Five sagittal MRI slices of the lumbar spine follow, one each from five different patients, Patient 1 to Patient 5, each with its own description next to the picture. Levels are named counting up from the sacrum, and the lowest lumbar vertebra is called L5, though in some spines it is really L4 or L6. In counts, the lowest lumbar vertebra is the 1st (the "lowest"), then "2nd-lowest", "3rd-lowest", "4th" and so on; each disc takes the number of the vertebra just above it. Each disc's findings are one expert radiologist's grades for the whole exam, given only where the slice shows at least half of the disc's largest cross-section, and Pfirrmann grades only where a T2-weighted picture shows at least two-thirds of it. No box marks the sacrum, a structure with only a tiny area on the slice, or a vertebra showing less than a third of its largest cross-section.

Patient 1 of 5:
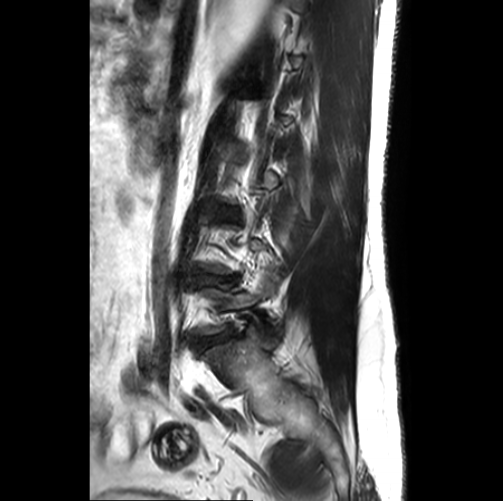 MRI lumbar spine (T2-weighted), sagittal plane. Patient sex: M.

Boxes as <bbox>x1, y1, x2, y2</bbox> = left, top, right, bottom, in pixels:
Structures:
- lowest disc: <bbox>196, 329, 231, 350</bbox>
- 2nd-lowest disc: <bbox>201, 275, 231, 284</bbox>
- lowest vertebra: <bbox>199, 275, 278, 334</bbox>

Patient 2 of 5:
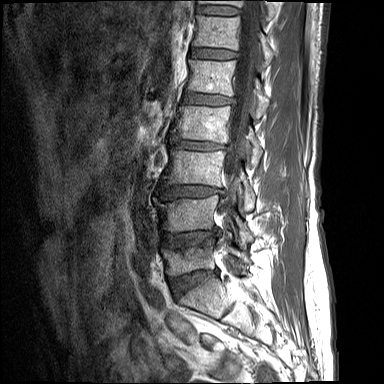 Slice 7 of 17; Lumbar spine MR, T1-weighted, sagittal
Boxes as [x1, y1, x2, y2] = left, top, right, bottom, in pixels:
L1/L2 (5th disc): [183, 91, 233, 105].
IVD T11/T12 (7th disc): [197, 5, 239, 15].
L4 (2nd-lowest vertebra): [160, 195, 253, 248].
T11 (7th vertebra): [199, 0, 274, 19].
T12/L1 (6th disc): [190, 47, 236, 59].
Spinal canal: [221, 0, 258, 215].
L2/L3 (4th disc): [172, 140, 228, 150].
L2 (4th vertebra): [171, 106, 262, 161].
L5/S1 (lowest disc): [171, 269, 218, 295].
IVD L3/L4 (3rd-lowest disc): [162, 185, 224, 198].
L4/L5 (2nd-lowest disc): [162, 231, 218, 247].
T12 (6th vertebra): [193, 15, 273, 66].
L5 (lowest vertebra): [161, 237, 250, 275].
L1 (5th vertebra): [188, 60, 269, 117].
L3 (3rd-lowest vertebra): [163, 150, 255, 211].

Per-level radiological findings:
- T12/L1 (6th disc): upper-endplate change, lower-endplate change
- L5/S1 (lowest disc): lower-endplate change, disc bulging, upper-endplate change, disc narrowing
- L2/L3 (4th disc): upper-endplate change, lower-endplate change, disc narrowing, disc bulging
- L1/L2 (5th disc): lower-endplate change, disc bulging, upper-endplate change
- L3/L4 (3rd-lowest disc): lower-endplate change, disc bulging, upper-endplate change
- L4/L5 (2nd-lowest disc): lower-endplate change, upper-endplate change, disc bulging
- T11/T12 (7th disc): no spondylolisthesis, narrowing, bulging, herniation, Modic or endplate change recorded

Patient 3 of 5:
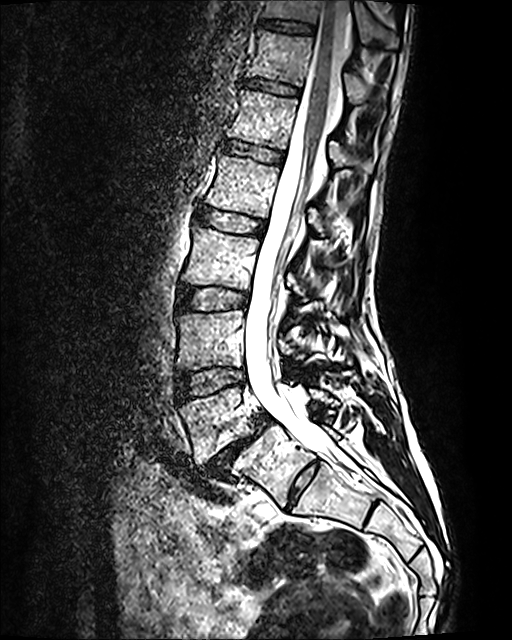
MRI lumbar spine (T2 SPACE (3D)), sagittal plane. Patient sex: F. Slice spacing 0.9 mm. Image 512x640.

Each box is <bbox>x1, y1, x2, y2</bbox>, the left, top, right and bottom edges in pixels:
Structures:
* disc L5/S1 = <bbox>201, 415, 270, 478</bbox>
* T11 = <bbox>262, 0, 396, 47</bbox>
* disc T11/T12 = <bbox>261, 19, 313, 32</bbox>
* T12 = <bbox>248, 31, 385, 104</bbox>
* L4/L5 = <bbox>176, 367, 244, 402</bbox>
* L1 = <bbox>228, 90, 373, 173</bbox>
* spinal canal = <bbox>244, 0, 349, 463</bbox>
* disc L1/L2 = <bbox>222, 141, 283, 163</bbox>
* disc L2/L3 = <bbox>197, 208, 264, 234</bbox>
* disc L3/L4 = <bbox>178, 287, 247, 310</bbox>
* L2 = <bbox>205, 154, 343, 233</bbox>
* L3 = <bbox>182, 226, 342, 309</bbox>
* L4 vertebra = <bbox>177, 310, 315, 370</bbox>
* disc T12/L1 = <bbox>244, 78, 299, 95</bbox>
* L5 = <bbox>180, 387, 333, 462</bbox>

Per-level radiological findings:
• L4/L5: Pfirrmann grade 2
• T12/L1: Pfirrmann grade 2
• T11/T12: Pfirrmann grade 2
• L1/L2: Pfirrmann grade 2
• L2/L3: Pfirrmann grade 2
• L3/L4: Pfirrmann grade 2
• L5/S1: Pfirrmann grade 5, spondylolisthesis, disc bulging, disc narrowing, Modic type II

Patient 4 of 5:
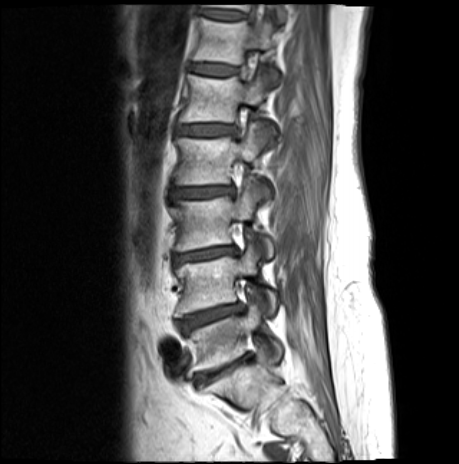 Image 459x464; Patient sex: F; Sagittal T1-weighted lumbar spine MRI
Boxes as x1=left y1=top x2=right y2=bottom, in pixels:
2nd-lowest disc at x1=178 y1=304 x2=241 y2=333, 3rd-lowest vertebra at x1=172 y1=182 x2=273 y2=258, lowest vertebra at x1=189 y1=301 x2=281 y2=371, 5th vertebra at x1=179 y1=71 x2=276 y2=135, lowest disc at x1=196 y1=355 x2=248 y2=383, 2nd-lowest vertebra at x1=175 y1=243 x2=277 y2=317, 6th disc at x1=191 y1=63 x2=237 y2=75, 7th vertebra at x1=205 y1=4 x2=286 y2=22, 5th disc at x1=176 y1=125 x2=234 y2=135, 7th disc at x1=201 y1=11 x2=246 y2=19, 4th vertebra at x1=175 y1=122 x2=270 y2=197, 6th vertebra at x1=194 y1=17 x2=277 y2=84, 4th disc at x1=172 y1=187 x2=233 y2=198, 3rd-lowest disc at x1=173 y1=247 x2=237 y2=262.

Per-level radiological findings:
- 2nd-lowest disc: lower-endplate change, disc bulging, disc narrowing, upper-endplate change, Modic type II
- 3rd-lowest disc: Modic type II, disc bulging, upper-endplate change, disc narrowing, lower-endplate change
- 4th disc: lower-endplate change, disc bulging, Modic type II, upper-endplate change
- 6th disc: lower-endplate change, upper-endplate change, Modic type II
- 7th disc: Modic type II
- 5th disc: Modic type II, upper-endplate change, disc bulging, lower-endplate change

Patient 5 of 5:
Philips Healthcare Ingenia (3T) | Sagittal T2-weighted lumbar spine MRI | Patient sex: F
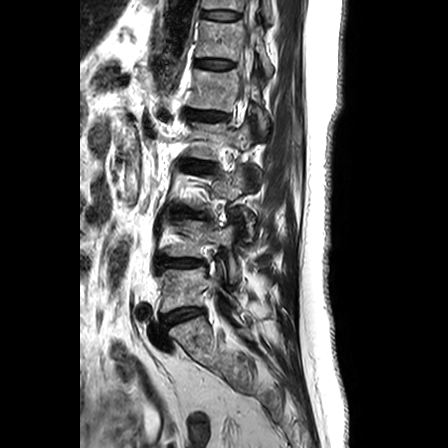 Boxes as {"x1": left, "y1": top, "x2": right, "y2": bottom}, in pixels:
Structures:
* IVD T11/T12: {"x1": 201, "y1": 10, "x2": 240, "y2": 20}
* IVD L4/L5: {"x1": 158, "y1": 258, "x2": 203, "y2": 270}
* IVD T12/L1: {"x1": 196, "y1": 58, "x2": 234, "y2": 68}
* T12: {"x1": 196, "y1": 20, "x2": 272, "y2": 76}
* L1: {"x1": 189, "y1": 69, "x2": 268, "y2": 131}
* L5 vertebra: {"x1": 157, "y1": 262, "x2": 240, "y2": 312}
* IVD L5/S1: {"x1": 161, "y1": 308, "x2": 202, "y2": 328}
* L4 vertebra: {"x1": 165, "y1": 219, "x2": 241, "y2": 281}
* IVD L2/L3: {"x1": 185, "y1": 161, "x2": 210, "y2": 169}
* IVD L1/L2: {"x1": 187, "y1": 109, "x2": 228, "y2": 120}
* T11: {"x1": 202, "y1": 0, "x2": 272, "y2": 23}
* L2: {"x1": 186, "y1": 121, "x2": 258, "y2": 172}

Per-level radiological findings:
• T11/T12: Pfirrmann grade 1
• T12/L1: Pfirrmann grade 1
• L4/L5: Modic type II, upper-endplate change, disc bulging, lower-endplate change
• L1/L2: Pfirrmann grade 3, disc bulging, disc narrowing
• L5/S1: upper-endplate change, lower-endplate change, Modic type II